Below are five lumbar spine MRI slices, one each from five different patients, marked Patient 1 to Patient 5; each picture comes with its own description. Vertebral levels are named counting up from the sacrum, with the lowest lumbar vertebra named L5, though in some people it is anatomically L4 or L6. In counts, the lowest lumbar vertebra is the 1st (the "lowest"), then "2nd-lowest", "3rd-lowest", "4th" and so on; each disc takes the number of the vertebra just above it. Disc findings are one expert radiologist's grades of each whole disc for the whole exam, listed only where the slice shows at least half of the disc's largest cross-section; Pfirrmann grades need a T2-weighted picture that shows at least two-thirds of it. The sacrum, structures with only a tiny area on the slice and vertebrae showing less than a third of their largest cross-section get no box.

Patient 1 of 5:
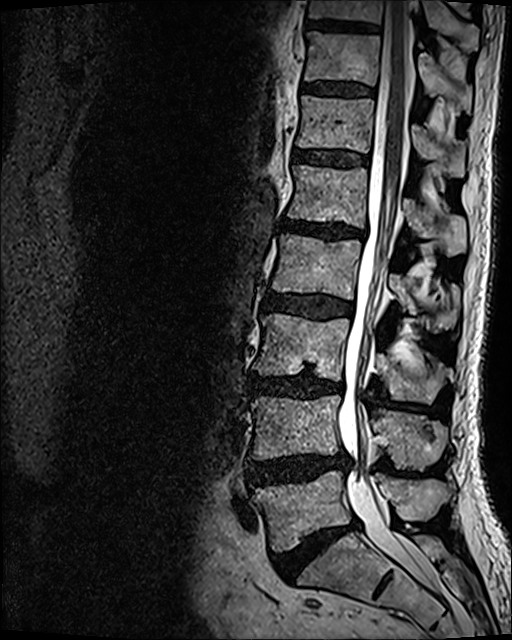 Slice spacing 0.9 mm; Sex M; Slice 65/120; MRI lumbar spine (T2 SPACE (3D)), sagittal plane

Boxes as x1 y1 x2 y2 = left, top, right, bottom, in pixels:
5th vertebra at 288 164 466 255, 3rd-lowest disc at 248 374 344 398, 6th disc at 293 150 367 167, lowest vertebra at 254 471 441 551, 8th disc at 305 19 377 32, 5th disc at 278 218 364 238, 4th vertebra at 272 233 460 330, 2nd-lowest disc at 246 455 349 487, 2nd-lowest vertebra at 250 395 447 471, 7th disc at 302 84 373 96, 6th vertebra at 296 95 465 177, 3rd-lowest vertebra at 253 313 446 402, lowest disc at 272 521 360 581, thecal sac / spinal canal at 338 1 434 586, 4th disc at 262 291 352 319, 8th vertebra at 308 0 477 52, 7th vertebra at 304 32 471 111.

Radiological gradings:
  7th disc: Pfirrmann grade 3
  3rd-lowest disc: Pfirrmann grade 4, lower-endplate change, disc bulging, disc narrowing, Modic type II
  5th disc: Pfirrmann grade 4, disc bulging, Modic type II, disc narrowing, lower-endplate change, upper-endplate change
  lowest disc: Pfirrmann grade 5, disc narrowing, disc bulging, lower-endplate change, Modic type II
  4th disc: Pfirrmann grade 3, disc bulging
  6th disc: Pfirrmann grade 3
  2nd-lowest disc: Pfirrmann grade 4, disc herniation, disc bulging

Patient 2 of 5:
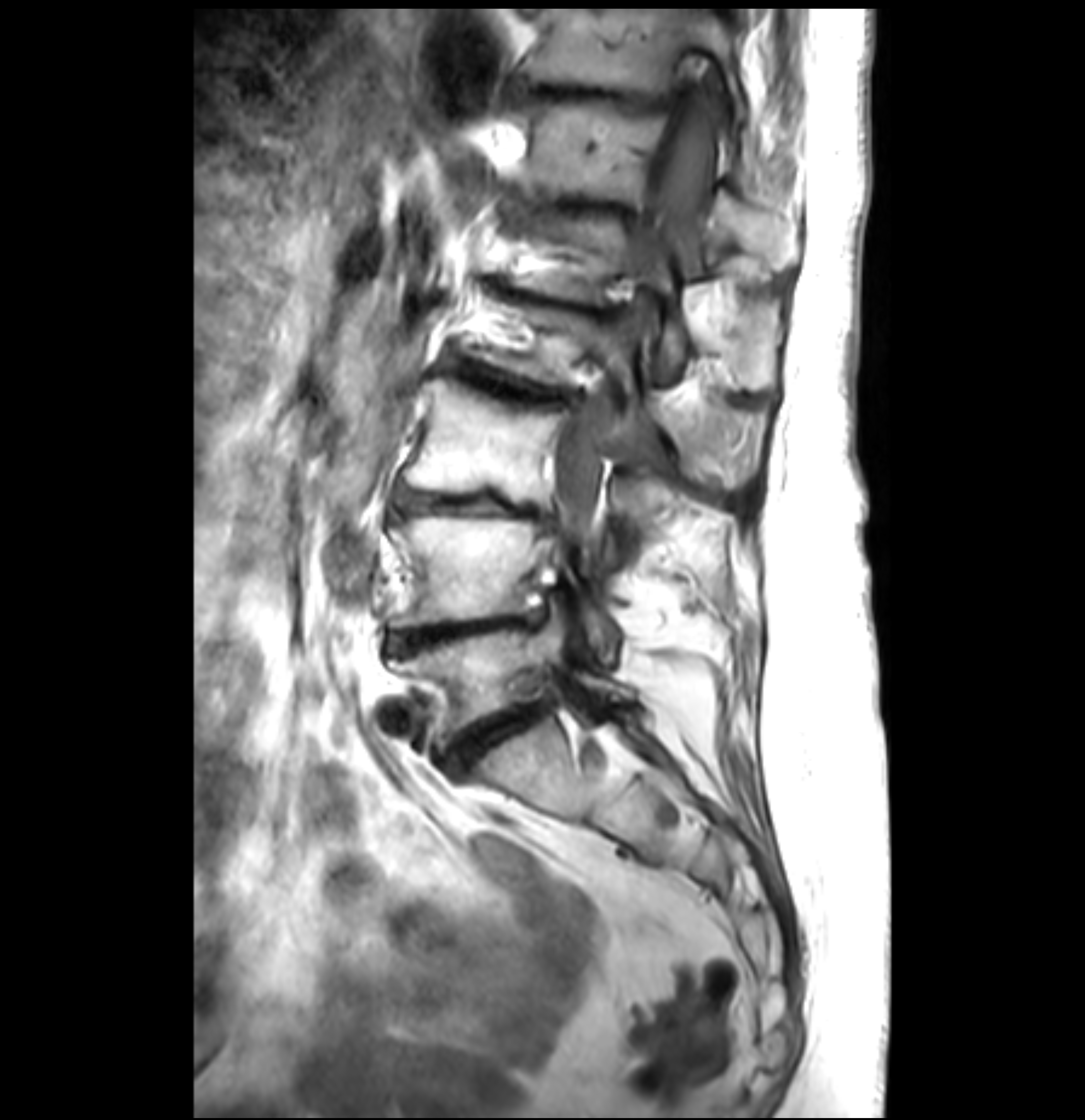 Lumbar spine MR, T1-weighted, sagittal. Sagittal slice index 21.
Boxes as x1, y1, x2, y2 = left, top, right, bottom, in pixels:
L3 at 405, 378, 663, 516; T12 at 523, 101, 799, 271; spinal canal at 552, 66, 719, 541; T12/L1 at 557, 202, 651, 227; intervertebral disc L5/S1 at 446, 694, 557, 771; L1/L2 at 516, 292, 603, 318; intervertebral disc L2/L3 at 443, 355, 581, 404; L4/L5 at 387, 618, 530, 651; T11 at 526, 11, 748, 133; L5 vertebra at 392, 608, 620, 748; intervertebral disc T11/T12 at 506, 76, 678, 113; L1 vertebra at 518, 211, 779, 390; intervertebral disc L3/L4 at 397, 492, 554, 528; L4 at 385, 514, 612, 651; L2 at 484, 305, 765, 487.

Radiological gradings:
• L3/L4: disc bulging, Modic type II, upper-endplate change, disc narrowing, lower-endplate change
• L4/L5: upper-endplate change, disc narrowing, Modic type II, lower-endplate change, disc bulging
• L2/L3: upper-endplate change, disc bulging, Modic type II, disc narrowing, lower-endplate change
• T11/T12: upper-endplate change, disc narrowing, Modic type II, disc bulging, lower-endplate change
• L5/S1: upper-endplate change, disc narrowing, disc herniation, disc bulging, lower-endplate change, Modic type II

Patient 3 of 5:
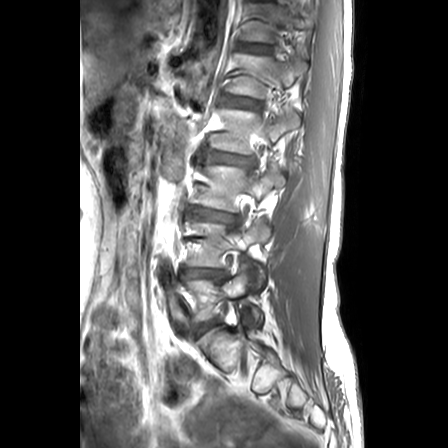 Sagittal T1-weighted lumbar spine MRI. Sex F.

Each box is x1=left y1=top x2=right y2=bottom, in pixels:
T12/L1 at x1=240 y1=44 x2=268 y2=51.
L2/L3 at x1=204 y1=152 x2=250 y2=165.
L3 vertebra at x1=192 y1=166 x2=284 y2=211.
L4 at x1=187 y1=223 x2=270 y2=290.
T12 at x1=242 y1=4 x2=314 y2=42.
Disc L3/L4 at x1=191 y1=209 x2=237 y2=224.
L1/L2 at x1=225 y1=96 x2=255 y2=106.
L2 vertebra at x1=211 y1=109 x2=299 y2=155.
L1 at x1=228 y1=54 x2=306 y2=98.
L4/L5 at x1=183 y1=269 x2=224 y2=277.
Disc L5/S1 at x1=196 y1=322 x2=213 y2=335.
L5 at x1=186 y1=262 x2=262 y2=327.

Degenerative findings by level:
- L3/L4: upper-endplate change, lower-endplate change, disc bulging
- L2/L3: lower-endplate change, disc bulging, upper-endplate change, Modic type II

Patient 4 of 5:
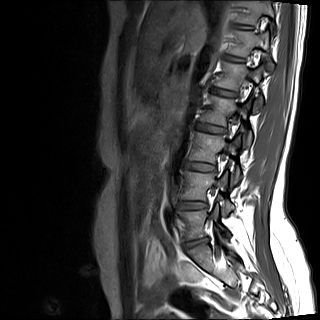 Sagittal T1-weighted lumbar spine MRI; Slice 5/15; Patient sex: F
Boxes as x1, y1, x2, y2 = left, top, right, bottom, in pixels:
L1/L2 at 211, 87, 236, 97; IVD L5/S1 at 185, 238, 207, 247; T12/L1 at 228, 56, 242, 61; L2 vertebra at 203, 96, 251, 146; T11 at 241, 0, 276, 35; T12 at 230, 31, 273, 78; L3 vertebra at 190, 132, 240, 185; L3/L4 at 186, 162, 213, 170; L5 at 180, 203, 230, 239; L2/L3 at 197, 123, 224, 133; IVD L4/L5 at 177, 201, 205, 209; L4 vertebra at 180, 171, 234, 214; L1 at 215, 62, 263, 113.

Degenerative findings by level:
  L4/L5: disc narrowing
  L5/S1: disc herniation, disc narrowing, Modic type II, disc bulging
  L1/L2, L3/L4, L2/L3: no spondylolisthesis, narrowing, bulging, herniation, Modic or endplate change recorded

Patient 5 of 5:
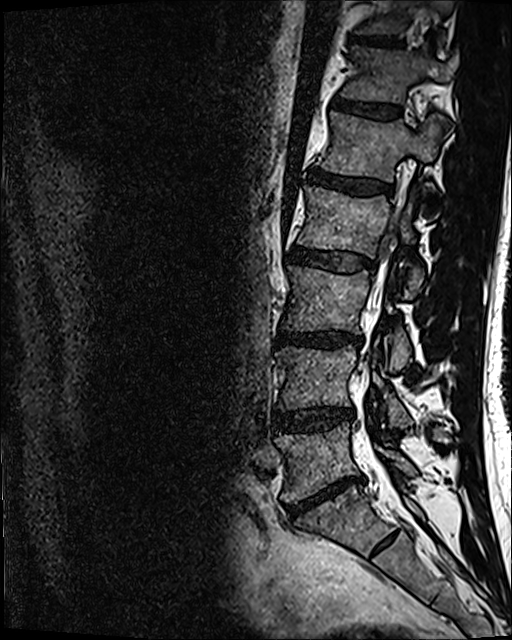
Sagittal T2 SPACE (3D) lumbar spine MRI, Sagittal slice index 77, Image 512x640
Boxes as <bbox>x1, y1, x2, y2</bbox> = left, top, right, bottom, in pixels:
{"5th vertebra": "<bbox>317, 112, 443, 181</bbox>", "lowest vertebra": "<bbox>274, 422, 415, 501</bbox>", "7th vertebra": "<bbox>354, 0, 451, 35</bbox>", "2nd-lowest disc": "<bbox>273, 407, 353, 431</bbox>", "3rd-lowest vertebra": "<bbox>283, 266, 410, 370</bbox>", "6th disc": "<bbox>334, 99, 401, 118</bbox>", "6th vertebra": "<bbox>341, 46, 457, 102</bbox>", "7th disc": "<bbox>354, 34, 399, 47</bbox>", "spinal canal": "<bbox>367, 216, 399, 499</bbox>", "3rd-lowest disc": "<bbox>275, 331, 361, 348</bbox>", "4th disc": "<bbox>289, 247, 375, 272</bbox>", "lowest disc": "<bbox>287, 474, 364, 516</bbox>", "4th vertebra": "<bbox>297, 187, 423, 298</bbox>", "5th disc": "<bbox>307, 169, 392, 194</bbox>", "2nd-lowest vertebra": "<bbox>275, 346, 411, 426</bbox>"}

Degenerative findings by level:
• 2nd-lowest disc: Pfirrmann grade 3, disc bulging, disc narrowing
• 4th disc: Pfirrmann grade 3, disc bulging
• lowest disc: Pfirrmann grade 5, disc bulging, disc narrowing, Modic type II
• 3rd-lowest disc: Pfirrmann grade 4, disc bulging, lower-endplate change, disc narrowing
• 6th disc: Pfirrmann grade 3
• 5th disc: Pfirrmann grade 4